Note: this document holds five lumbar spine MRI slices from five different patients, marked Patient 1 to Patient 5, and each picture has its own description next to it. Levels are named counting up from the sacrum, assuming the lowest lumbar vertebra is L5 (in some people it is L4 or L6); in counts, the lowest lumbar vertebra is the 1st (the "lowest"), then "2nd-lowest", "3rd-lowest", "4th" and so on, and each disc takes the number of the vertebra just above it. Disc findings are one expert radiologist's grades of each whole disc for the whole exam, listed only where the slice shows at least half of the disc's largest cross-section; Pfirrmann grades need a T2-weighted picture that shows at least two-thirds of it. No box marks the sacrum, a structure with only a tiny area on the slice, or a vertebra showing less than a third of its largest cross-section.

Patient 1 of 5:
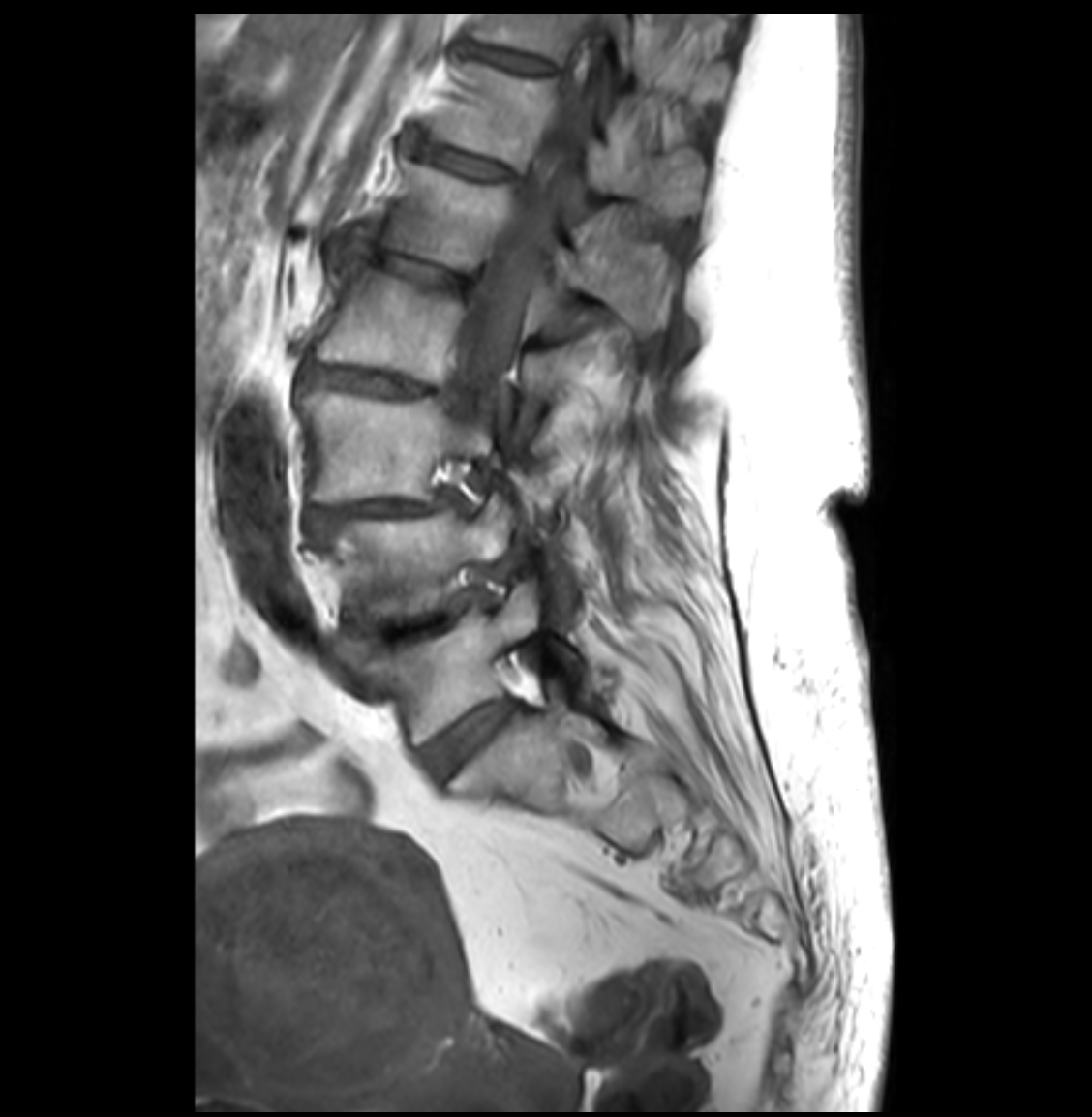
Slice 20 of 33, Image 1092x1117, Lumbar spine MR, T1-weighted, sagittal, Field of view 280x286 mm, slice spacing 3.3 mm

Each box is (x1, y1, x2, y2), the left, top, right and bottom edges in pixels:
4th vertebra at (317, 258, 567, 438), 7th vertebra at (473, 13, 728, 103), 3rd-lowest vertebra at (300, 391, 494, 503), 2nd-lowest vertebra at (312, 493, 516, 627), 7th disc at (470, 47, 553, 72), spinal canal at (461, 19, 609, 405), lowest disc at (422, 698, 513, 777), 2nd-lowest disc at (351, 593, 477, 649), 6th disc at (414, 138, 513, 180), 3rd-lowest disc at (310, 493, 452, 528), 4th disc at (302, 359, 462, 404), lowest vertebra at (366, 577, 545, 746), 5th disc at (353, 244, 479, 287), 5th vertebra at (356, 157, 667, 325), 6th vertebra at (432, 63, 704, 215).

Per-level radiological findings:
- 7th disc: disc narrowing
- 3rd-lowest disc: spondylolisthesis, disc bulging, disc narrowing
- 4th disc: upper-endplate change, lower-endplate change, disc narrowing, disc bulging
- 2nd-lowest disc: disc narrowing, disc bulging
- 6th disc: disc bulging, disc narrowing
- lowest disc: no herniation, bulging, narrowing, spondylolisthesis, endplate or Modic change recorded

Patient 2 of 5:
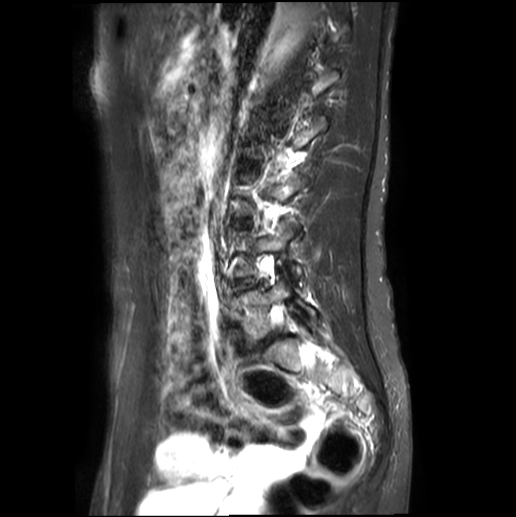 MRI lumbar spine (T2-weighted), sagittal plane. 516x517 px. Patient sex: F.
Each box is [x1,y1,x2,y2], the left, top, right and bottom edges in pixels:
L5 (lowest vertebra) — [239,280,316,322].
L4/L5 (2nd-lowest disc) — [235,280,254,288].

Patient 3 of 5:
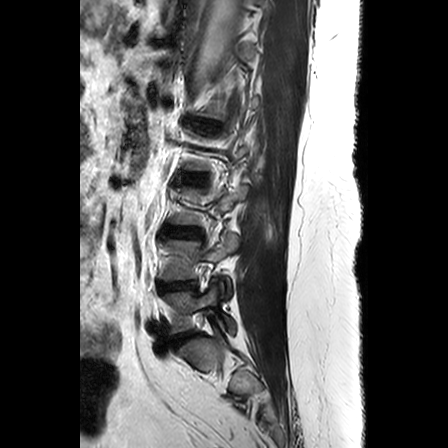 Sagittal T2-weighted lumbar spine MRI, Sagittal slice index 17
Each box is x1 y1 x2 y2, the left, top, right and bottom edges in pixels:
Structures:
* L4 (2nd-lowest vertebra) = 162 234 238 298
* IVD L2/L3 (4th disc) = 184 174 202 182
* L3 (3rd-lowest vertebra) = 171 185 248 225
* L5 (lowest vertebra) = 165 285 235 333
* IVD L1/L2 (5th disc) = 193 123 216 133
* L4/L5 (2nd-lowest disc) = 159 281 195 291
* L5/S1 (lowest disc) = 172 332 194 346
* IVD L3/L4 (3rd-lowest disc) = 166 227 200 237

Radiological gradings:
- L3/L4 (3rd-lowest disc): upper-endplate change

Patient 4 of 5:
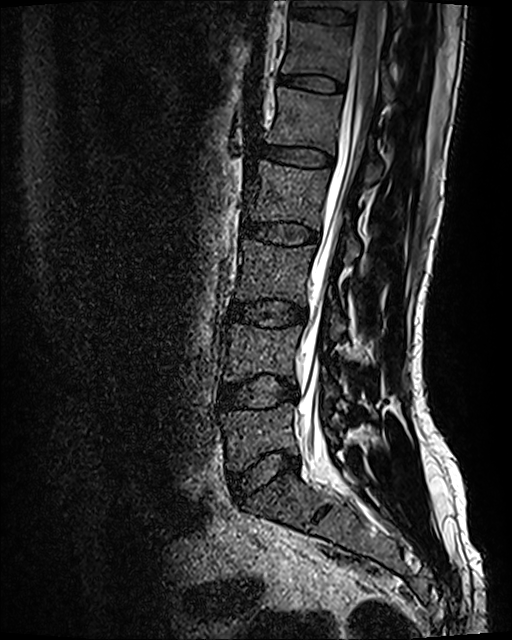 MRI lumbar spine (T2 SPACE (3D)), sagittal plane | Field of view 240x300 mm, slice spacing 0.9 mm | Slice 65 of 120
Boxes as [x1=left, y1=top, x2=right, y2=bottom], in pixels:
Spinal canal = [x1=298, y1=1, x2=383, y2=465].
L5/S1 = [x1=230, y1=452, x2=299, y2=498].
T11 = [x1=294, y1=0, x2=400, y2=18].
L2 vertebra = [x1=245, y1=160, x2=361, y2=264].
IVD T11/T12 = [x1=291, y1=7, x2=353, y2=24].
IVD L4/L5 = [x1=221, y1=376, x2=298, y2=409].
L3 = [x1=235, y1=239, x2=345, y2=338].
T12/L1 = [x1=278, y1=75, x2=343, y2=92].
L1 = [x1=267, y1=88, x2=381, y2=183].
T12 vertebra = [x1=282, y1=20, x2=396, y2=101].
IVD L3/L4 = [x1=228, y1=301, x2=305, y2=326].
L1/L2 = [x1=261, y1=143, x2=332, y2=167].
L4 = [x1=224, y1=324, x2=338, y2=397].
IVD L2/L3 = [x1=242, y1=221, x2=318, y2=245].
L5 = [x1=220, y1=402, x2=337, y2=471].

Expert MSK radiologist gradings (per disc):
- L1/L2: Pfirrmann grade 2
- L3/L4: Pfirrmann grade 2, disc bulging
- L4/L5: Pfirrmann grade 2, disc bulging
- T12/L1: Pfirrmann grade 2
- L5/S1: Pfirrmann grade 2, disc bulging
- L2/L3: Pfirrmann grade 2
- T11/T12: Pfirrmann grade 2

Patient 5 of 5:
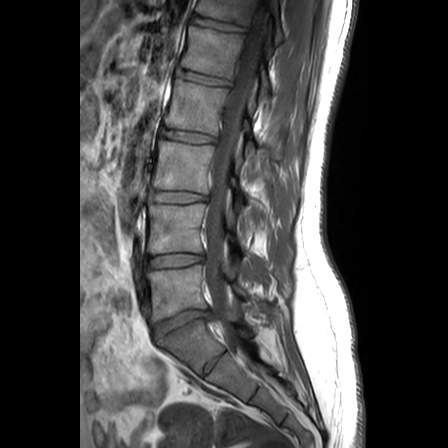 MRI lumbar spine (T1-weighted), sagittal plane. Sagittal slice index 13.
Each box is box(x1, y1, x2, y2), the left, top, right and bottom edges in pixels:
T12/L1 (6th disc) at box(192, 15, 248, 31); T12 (6th vertebra) at box(196, 0, 283, 43); disc L4/L5 (2nd-lowest disc) at box(148, 254, 203, 267); spinal canal at box(205, 0, 270, 372); L4 (2nd-lowest vertebra) at box(148, 203, 241, 253); L1/L2 (5th disc) at box(176, 69, 229, 85); L5 (lowest vertebra) at box(147, 265, 246, 322); disc L3/L4 (3rd-lowest disc) at box(151, 192, 206, 202); L2 (4th vertebra) at box(164, 79, 254, 156); disc L2/L3 (4th disc) at box(162, 130, 215, 142); disc L5/S1 (lowest disc) at box(153, 310, 211, 337); L3 (3rd-lowest vertebra) at box(152, 140, 235, 193); L1 (5th vertebra) at box(181, 26, 269, 102).

Degenerative findings by level:
• L5/S1 (lowest disc): Modic type II, upper-endplate change, disc herniation, lower-endplate change
• L4/L5 (2nd-lowest disc), L3/L4 (3rd-lowest disc), L1/L2 (5th disc), T12/L1 (6th disc), L2/L3 (4th disc): no Modic or endplate change, herniation, narrowing, bulging or spondylolisthesis recorded